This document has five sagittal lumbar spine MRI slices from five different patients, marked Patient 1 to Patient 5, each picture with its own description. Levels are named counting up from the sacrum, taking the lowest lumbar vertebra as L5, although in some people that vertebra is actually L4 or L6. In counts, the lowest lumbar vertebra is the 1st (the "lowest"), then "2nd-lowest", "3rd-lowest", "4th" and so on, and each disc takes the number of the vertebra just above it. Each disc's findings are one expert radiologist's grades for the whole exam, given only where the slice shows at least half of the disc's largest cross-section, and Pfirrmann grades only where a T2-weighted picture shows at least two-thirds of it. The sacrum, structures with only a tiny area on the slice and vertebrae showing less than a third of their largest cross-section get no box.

Patient 1 of 5:
MRI lumbar spine (T2 SPACE (3D)), sagittal plane

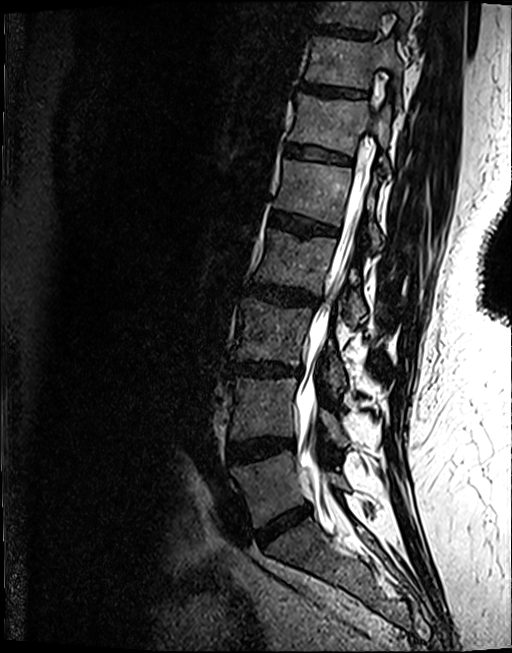

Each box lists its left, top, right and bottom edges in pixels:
T12 (6th vertebra) at left=288, top=93, right=390, bottom=168.
L4 (2nd-lowest vertebra) at left=227, top=377, right=348, bottom=445.
Disc L1/L2 (5th disc) at left=270, top=211, right=336, bottom=235.
L1 (5th vertebra) at left=272, top=159, right=383, bottom=248.
L2 (4th vertebra) at left=254, top=228, right=365, bottom=322.
L3 (3rd-lowest vertebra) at left=232, top=296, right=345, bottom=390.
T11 (7th vertebra) at left=304, top=34, right=403, bottom=106.
T11/T12 (7th disc) at left=298, top=81, right=366, bottom=96.
L5 (lowest vertebra) at left=230, top=451, right=350, bottom=527.
L5/S1 (lowest disc) at left=257, top=503, right=311, bottom=545.
T12/L1 (6th disc) at left=286, top=143, right=351, bottom=163.
Disc L3/L4 (3rd-lowest disc) at left=229, top=360, right=301, bottom=376.
Thecal sac / spinal canal at left=296, top=107, right=379, bottom=503.
Disc T10/T11 (8th disc) at left=314, top=24, right=371, bottom=37.
L4/L5 (2nd-lowest disc) at left=227, top=437, right=293, bottom=462.
Disc L2/L3 (4th disc) at left=246, top=282, right=318, bottom=306.
T10 (8th vertebra) at left=315, top=0, right=411, bottom=31.

Per-level radiological findings:
  L3/L4 (3rd-lowest disc): Pfirrmann grade 4, disc narrowing, upper-endplate change, disc bulging, Modic type II, lower-endplate change
  T11/T12 (7th disc): Pfirrmann grade 4, upper-endplate change
  L4/L5 (2nd-lowest disc): Pfirrmann grade 4, Modic type II, lower-endplate change, disc bulging
  T10/T11 (8th disc): Pfirrmann grade 4, lower-endplate change, upper-endplate change
  L5/S1 (lowest disc): Pfirrmann grade 4, disc narrowing, disc bulging
  L1/L2 (5th disc): Pfirrmann grade 4, lower-endplate change, upper-endplate change, Modic type II
  L2/L3 (4th disc): Pfirrmann grade 4, lower-endplate change, upper-endplate change, disc bulging
  T12/L1 (6th disc): Pfirrmann grade 3, lower-endplate change, upper-endplate change

Patient 2 of 5:
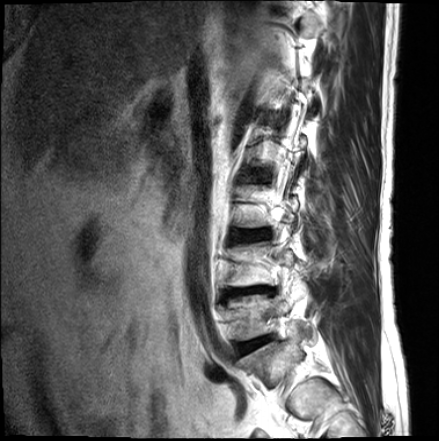 Patient sex: M. Sagittal T2-weighted lumbar spine MRI.
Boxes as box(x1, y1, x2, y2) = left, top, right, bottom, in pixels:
Intervertebral disc L3/L4 = box(241, 230, 269, 239).
L5 vertebra = box(228, 295, 292, 340).
Intervertebral disc L4/L5 = box(231, 287, 270, 296).
L5/S1 = box(237, 336, 269, 354).

Patient 3 of 5:
Image 512x512, Sagittal T2-weighted lumbar spine MRI 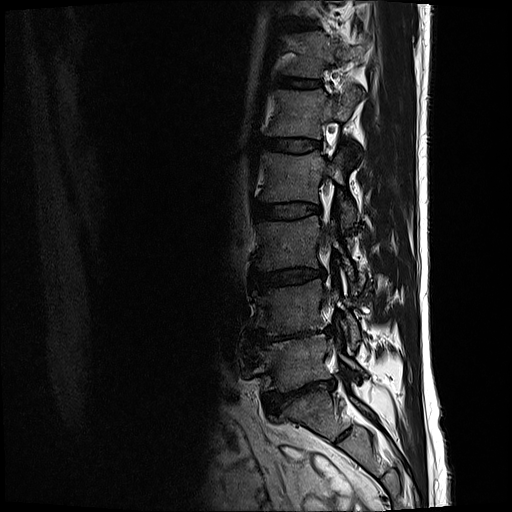 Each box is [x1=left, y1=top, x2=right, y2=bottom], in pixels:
L3: [x1=256, y1=216, x2=353, y2=279]
disc T11/T12: [x1=299, y1=23, x2=319, y2=31]
L5/S1: [x1=266, y1=380, x2=327, y2=414]
L4/L5: [x1=258, y1=331, x2=315, y2=342]
T12 vertebra: [x1=286, y1=32, x2=366, y2=77]
L5: [x1=260, y1=335, x2=365, y2=390]
L1 vertebra: [x1=268, y1=88, x2=362, y2=138]
L3/L4: [x1=254, y1=267, x2=325, y2=288]
T12/L1: [x1=279, y1=76, x2=320, y2=88]
L4: [x1=254, y1=279, x2=359, y2=347]
L1/L2: [x1=264, y1=137, x2=320, y2=152]
L2: [x1=261, y1=151, x2=356, y2=222]
disc L2/L3: [x1=255, y1=203, x2=320, y2=219]

Expert MSK radiologist gradings (per disc):
- T12/L1: Pfirrmann grade 2
- L3/L4: Pfirrmann grade 3, disc narrowing, disc bulging
- L1/L2: Pfirrmann grade 2
- L2/L3: Pfirrmann grade 2
- L5/S1: Pfirrmann grade 5, disc bulging, lower-endplate change, spondylolisthesis, disc narrowing

Patient 4 of 5:
SIEMENS Avanto_fit (1.5T). 512x512 px. T2-weighted sagittal MRI of the lumbar spine.

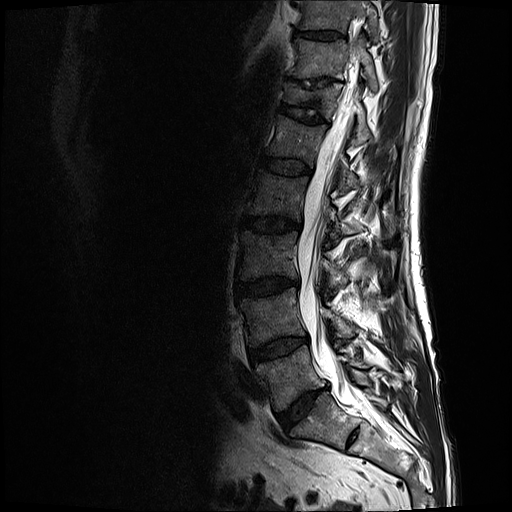

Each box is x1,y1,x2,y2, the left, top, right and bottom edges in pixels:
{"T11 (7th vertebra)": "290,36,378,90", "disc T11/T12 (7th disc)": "305,79,331,86", "L5/S1 (lowest disc)": "277,388,324,427", "T12 (6th vertebra)": "284,82,371,143", "L4/L5 (2nd-lowest disc)": "249,337,307,359", "T10/T11 (8th disc)": "296,30,339,38", "disc T12/L1 (6th disc)": "279,102,329,122", "thecal sac / spinal canal": "297,23,363,404", "disc L2/L3 (4th disc)": "242,215,301,232", "disc L3/L4 (3rd-lowest disc)": "236,277,297,297", "L1 (5th vertebra)": "268,114,359,190", "T10 (8th vertebra)": "302,0,380,41", "L1/L2 (5th disc)": "261,155,311,174", "L3 (3rd-lowest vertebra)": "238,230,349,286", "L4 (2nd-lowest vertebra)": "239,287,354,346", "L5 (lowest vertebra)": "257,345,369,410", "L2 (4th vertebra)": "248,169,356,237"}

Radiological gradings:
- L3/L4 (3rd-lowest disc): Pfirrmann grade 4, Modic type II, disc bulging, disc narrowing
- T12/L1 (6th disc): Pfirrmann grade 3, lower-endplate change, upper-endplate change
- T10/T11 (8th disc): Pfirrmann grade 3
- L5/S1 (lowest disc): Pfirrmann grade 4, disc narrowing, disc bulging
- L4/L5 (2nd-lowest disc): Pfirrmann grade 3, disc bulging, Modic type II
- L1/L2 (5th disc): Pfirrmann grade 3
- L2/L3 (4th disc): Pfirrmann grade 3, disc bulging, Modic type II
- T11/T12 (7th disc): lower-endplate change, upper-endplate change, disc narrowing

Patient 5 of 5:
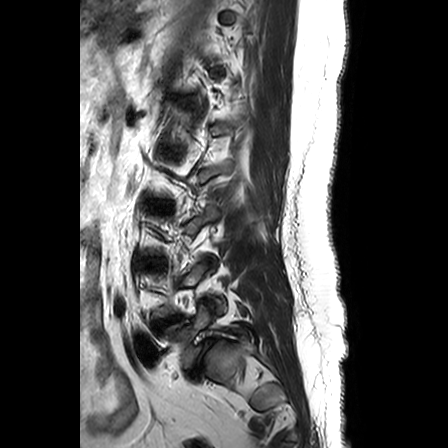
Field of view 280x280 mm; MRI lumbar spine (T2-weighted), sagittal plane

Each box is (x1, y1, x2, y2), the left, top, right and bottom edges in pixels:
Segmented structures:
- L5 vertebra — (165, 304, 224, 368)
- IVD L4/L5 — (154, 315, 181, 329)
- L5/S1 — (189, 339, 214, 376)